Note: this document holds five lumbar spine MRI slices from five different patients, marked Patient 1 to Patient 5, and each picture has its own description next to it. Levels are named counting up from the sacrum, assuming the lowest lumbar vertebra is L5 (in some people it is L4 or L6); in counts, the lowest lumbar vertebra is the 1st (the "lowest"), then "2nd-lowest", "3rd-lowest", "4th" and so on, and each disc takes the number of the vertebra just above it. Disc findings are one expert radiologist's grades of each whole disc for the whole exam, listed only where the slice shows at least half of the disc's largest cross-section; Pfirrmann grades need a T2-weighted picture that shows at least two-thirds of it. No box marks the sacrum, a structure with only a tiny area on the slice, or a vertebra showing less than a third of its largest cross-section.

Patient 1 of 5:
Scanner: Philips Healthcare Ingenia (3T), T2-weighted sagittal MRI of the lumbar spine, Sagittal slice index 16, 448x448 px 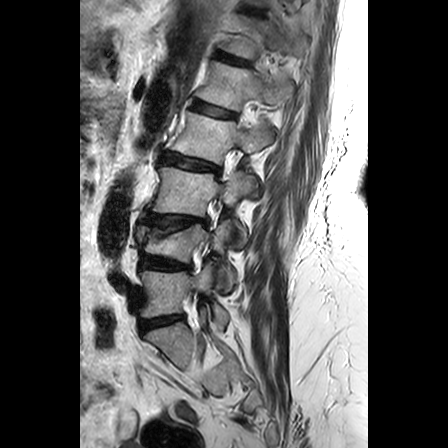 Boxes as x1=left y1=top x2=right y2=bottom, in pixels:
L2 at x1=170 y1=111 x2=272 y2=196, L5 at x1=139 y1=262 x2=229 y2=329, intervertebral disc L1/L2 at x1=192 y1=100 x2=236 y2=117, T12/L1 at x1=215 y1=51 x2=251 y2=65, T11/T12 at x1=242 y1=6 x2=263 y2=15, intervertebral disc L4/L5 at x1=140 y1=253 x2=191 y2=270, L5/S1 at x1=140 y1=315 x2=184 y2=333, L4 at x1=136 y1=220 x2=236 y2=291, L3/L4 at x1=142 y1=213 x2=208 y2=226, T12 vertebra at x1=219 y1=15 x2=296 y2=59, L3 vertebra at x1=152 y1=167 x2=255 y2=245, L2/L3 at x1=160 y1=152 x2=219 y2=172, L1 vertebra at x1=196 y1=61 x2=292 y2=110.

Per-level radiological findings:
- T12/L1: Pfirrmann grade 3, lower-endplate change, upper-endplate change
- L2/L3: Pfirrmann grade 3, upper-endplate change, lower-endplate change
- L1/L2: Pfirrmann grade 2, upper-endplate change
- L5/S1: disc bulging
- L3/L4: Pfirrmann grade 3, disc bulging, lower-endplate change, upper-endplate change
- L4/L5: Pfirrmann grade 3, lower-endplate change, disc bulging

Patient 2 of 5:
Image 448x448 | Patient sex: M | Philips Healthcare Ingenia (3T) | Sagittal T2-weighted lumbar spine MRI
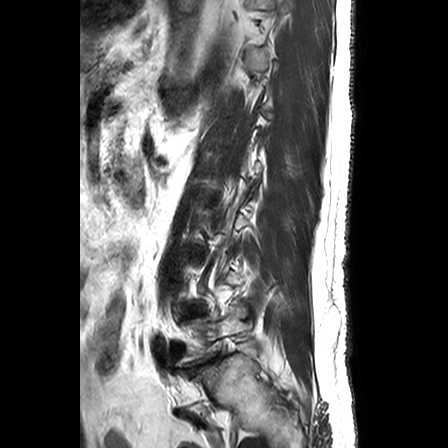

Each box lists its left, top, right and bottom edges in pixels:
Lowest vertebra: left=176, top=304, right=246, bottom=366.
Lowest disc: left=187, top=358, right=215, bottom=372.

Patient 3 of 5:
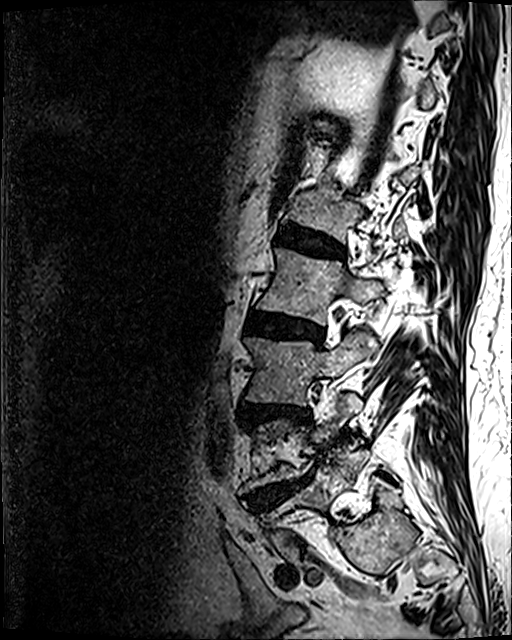

Sagittal T2 SPACE (3D) lumbar spine MRI; Image 512x640; Sex M

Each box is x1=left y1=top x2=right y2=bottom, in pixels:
Intervertebral disc L4/L5 at x1=246 y1=474 x2=310 y2=510, L5 at x1=281 y1=453 x2=367 y2=512, L4 at x1=242 y1=392 x2=363 y2=490, intervertebral disc L3/L4 at x1=245 y1=405 x2=310 y2=424, L2 vertebra at x1=256 y1=247 x2=402 y2=324, intervertebral disc L1/L2 at x1=276 y1=226 x2=344 y2=258, L1 at x1=286 y1=190 x2=406 y2=242, L3 at x1=245 y1=327 x2=379 y2=404, L2/L3 at x1=246 y1=311 x2=322 y2=340.

Radiological gradings:
  L4/L5: Pfirrmann grade 5, disc herniation, lower-endplate change, upper-endplate change, disc narrowing, disc bulging, Modic type II
  L2/L3: Pfirrmann grade 4, upper-endplate change, Modic type II, disc narrowing, lower-endplate change, disc bulging
  L1/L2: Pfirrmann grade 4, upper-endplate change, disc narrowing, lower-endplate change, disc bulging
  L3/L4: Pfirrmann grade 4, upper-endplate change, disc narrowing, disc bulging, lower-endplate change

Patient 4 of 5:
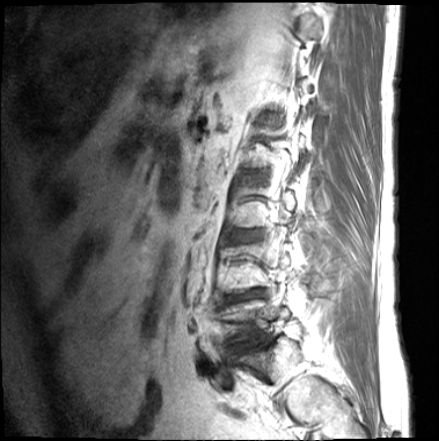

Field of view 280x281 mm, slice spacing 4.4 mm; Sagittal T1-weighted lumbar spine MRI; Patient sex: M
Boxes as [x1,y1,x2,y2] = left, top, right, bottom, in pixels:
2nd-lowest disc — [224,289,265,303].
3rd-lowest disc — [234,232,256,241].

Expert MSK radiologist gradings (per disc):
• 2nd-lowest disc: Modic type II, disc narrowing, lower-endplate change, upper-endplate change, disc bulging

Patient 5 of 5:
Sagittal T1-weighted lumbar spine MRI, Slice 15 of 24, Sex F
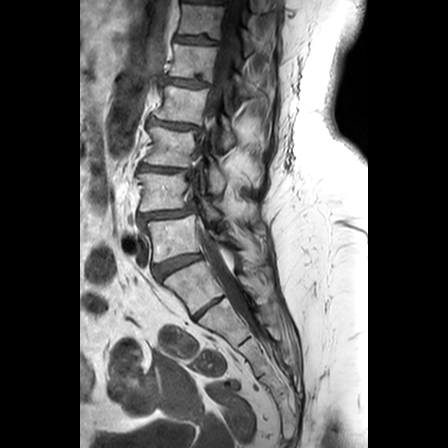
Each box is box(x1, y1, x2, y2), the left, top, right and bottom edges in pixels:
{"L5": "box(146, 213, 242, 261)", "thecal sac / spinal canal": "box(195, 0, 245, 309)", "L5/S1": "box(152, 251, 201, 278)", "L3/L4": "box(140, 162, 190, 172)", "T12/L1": "box(174, 33, 219, 43)", "L1/L2": "box(163, 75, 209, 84)", "L1": "box(169, 42, 274, 95)", "L2 vertebra": "box(153, 84, 268, 146)", "intervertebral disc L2/L3": "box(149, 116, 200, 129)", "L3 vertebra": "box(145, 124, 227, 191)", "L4/L5": "box(139, 206, 192, 221)", "L4 vertebra": "box(138, 170, 221, 217)", "T12 vertebra": "box(178, 3, 275, 53)"}

Degenerative findings by level:
- L2/L3: lower-endplate change, disc bulging, Modic type II, upper-endplate change, disc narrowing
- L5/S1: disc bulging
- L3/L4: lower-endplate change, upper-endplate change, disc narrowing, disc bulging, Modic type II
- T12/L1: lower-endplate change, upper-endplate change, Modic type II
- L1/L2: Modic type II, lower-endplate change, upper-endplate change, disc narrowing, disc bulging
- L4/L5: disc bulging, spondylolisthesis, disc narrowing